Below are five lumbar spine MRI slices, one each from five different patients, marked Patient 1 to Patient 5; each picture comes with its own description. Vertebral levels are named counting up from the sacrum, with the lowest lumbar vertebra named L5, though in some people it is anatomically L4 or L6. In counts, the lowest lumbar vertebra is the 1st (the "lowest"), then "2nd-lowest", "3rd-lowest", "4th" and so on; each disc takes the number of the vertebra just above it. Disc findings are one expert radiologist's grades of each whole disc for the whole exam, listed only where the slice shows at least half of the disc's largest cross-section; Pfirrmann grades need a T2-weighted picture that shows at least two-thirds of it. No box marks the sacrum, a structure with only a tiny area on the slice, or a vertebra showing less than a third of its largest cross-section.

Patient 1 of 5:
Sagittal slice index 5 | Image 384x384 | T1-weighted sagittal MRI of the lumbar spine
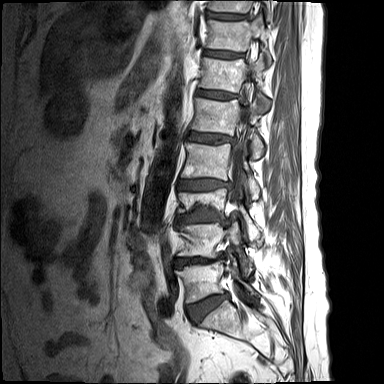
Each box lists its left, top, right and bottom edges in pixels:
T10/T11: left=208, top=12, right=244, bottom=19 | disc L4/L5: left=176, top=254, right=225, bottom=266 | L4: left=179, top=221, right=252, bottom=277 | L3 vertebra: left=178, top=188, right=259, bottom=240 | T10: left=209, top=0, right=270, bottom=19 | L1 vertebra: left=192, top=98, right=263, bottom=158 | L5 vertebra: left=177, top=259, right=256, bottom=302 | L3/L4: left=176, top=207, right=227, bottom=225 | T11: left=208, top=15, right=270, bottom=65 | L2/L3: left=178, top=179, right=233, bottom=191 | T12: left=200, top=53, right=270, bottom=111 | thecal sac / spinal canal: left=231, top=112, right=247, bottom=202 | L2: left=181, top=142, right=260, bottom=199 | T11/T12: left=206, top=50, right=241, bottom=57 | L5/S1: left=188, top=294, right=228, bottom=322 | L1/L2: left=188, top=131, right=235, bottom=143 | T12/L1: left=197, top=89, right=236, bottom=99

Expert MSK radiologist gradings (per disc):
- L5/S1: upper-endplate change, disc bulging, lower-endplate change
- L1/L2: lower-endplate change, upper-endplate change, disc bulging
- L4/L5: lower-endplate change, disc bulging, upper-endplate change, disc narrowing
- L3/L4: upper-endplate change, lower-endplate change, disc narrowing, disc bulging
- L2/L3: lower-endplate change, upper-endplate change, disc narrowing, disc bulging
- T10/T11, T11/T12, T12/L1: no spondylolisthesis, narrowing, bulging, herniation, Modic or endplate change recorded

Patient 2 of 5:
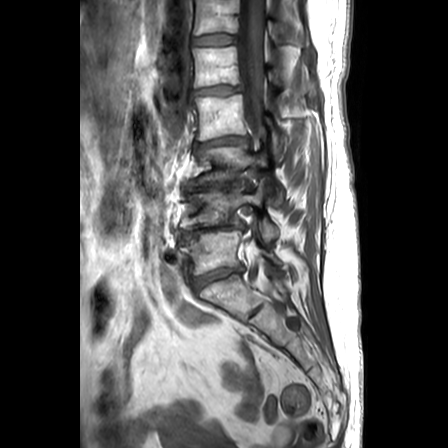 T1-weighted sagittal MRI of the lumbar spine. Field of view 280x280 mm, slice spacing 3.3 mm. Sex F. 448x448 px.
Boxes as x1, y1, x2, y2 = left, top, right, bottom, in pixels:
Thecal sac / spinal canal: 239, 0, 275, 294.
T12 vertebra: 194, 0, 303, 46.
L4/L5: 180, 223, 245, 242.
L4 vertebra: 180, 178, 279, 240.
L1/L2: 192, 85, 242, 93.
L5: 180, 229, 283, 275.
L3/L4: 186, 180, 251, 191.
Disc L2/L3: 196, 135, 250, 151.
L3: 193, 146, 283, 206.
L2: 190, 94, 288, 163.
T12/L1: 192, 34, 237, 44.
L5/S1: 191, 266, 244, 291.
L1 vertebra: 192, 46, 283, 87.

Degenerative findings by level:
• L4/L5: disc bulging, upper-endplate change, Modic type II, lower-endplate change, disc narrowing
• L1/L2: disc bulging
• L5/S1: lower-endplate change, disc narrowing, disc bulging, upper-endplate change
• L2/L3: lower-endplate change, disc narrowing, upper-endplate change, disc bulging
• L3/L4: lower-endplate change, Modic type II, disc bulging, disc narrowing, upper-endplate change
• T12/L1: no Modic or endplate change, herniation, narrowing, bulging or spondylolisthesis recorded

Patient 3 of 5:
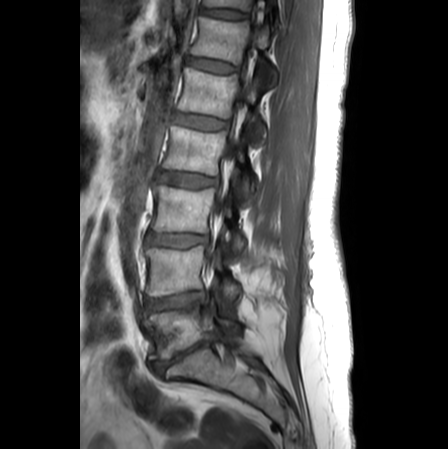
Slice 16 of 24. Lumbar spine MR, T1-weighted, sagittal.
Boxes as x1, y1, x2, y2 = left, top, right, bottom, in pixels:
4th disc: 159, 172, 217, 188
7th vertebra: 203, 0, 252, 10
6th vertebra: 191, 17, 277, 85
lowest disc: 151, 338, 214, 374
6th disc: 188, 57, 238, 73
3rd-lowest disc: 148, 234, 208, 247
4th vertebra: 163, 126, 256, 199
5th disc: 174, 113, 228, 130
3rd-lowest vertebra: 152, 185, 245, 256
2nd-lowest vertebra: 146, 246, 240, 305
7th disc: 200, 7, 248, 18
2nd-lowest disc: 146, 291, 205, 311
5th vertebra: 178, 68, 267, 144
thecal sac / spinal canal: 219, 78, 247, 214
lowest vertebra: 148, 300, 241, 359

Degenerative findings by level:
  3rd-lowest disc: disc bulging
  4th disc: disc bulging
  2nd-lowest disc: disc bulging, disc narrowing
  6th disc, 5th disc, 7th disc: no spondylolisthesis, narrowing, bulging, herniation, Modic or endplate change recorded

Patient 4 of 5:
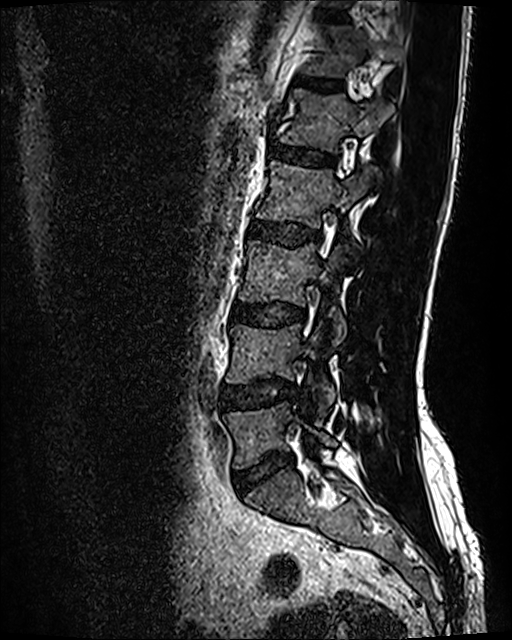
Sex M; Sagittal T2 SPACE (3D) lumbar spine MRI
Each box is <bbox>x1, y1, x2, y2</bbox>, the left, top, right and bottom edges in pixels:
Annotations:
• intervertebral disc L3/L4 (3rd-lowest disc) at <bbox>231, 304, 305, 326</bbox>
• intervertebral disc L5/S1 (lowest disc) at <bbox>236, 453, 292, 494</bbox>
• T12 (6th vertebra) at <bbox>305, 26, 396, 77</bbox>
• L5 (lowest vertebra) at <bbox>224, 402, 336, 469</bbox>
• L2/L3 (4th disc) at <bbox>250, 220, 320, 246</bbox>
• L3 (3rd-lowest vertebra) at <bbox>239, 239, 357, 344</bbox>
• L4/L5 (2nd-lowest disc) at <bbox>222, 379, 297, 410</bbox>
• L4 (2nd-lowest vertebra) at <bbox>226, 324, 334, 410</bbox>
• L2 (4th vertebra) at <bbox>257, 161, 377, 228</bbox>
• L1 (5th vertebra) at <bbox>280, 89, 393, 153</bbox>
• T12/L1 (6th disc) at <bbox>302, 78, 341, 90</bbox>
• T11/T12 (7th disc) at <bbox>317, 9, 345, 20</bbox>
• intervertebral disc L1/L2 (5th disc) at <bbox>270, 145, 334, 165</bbox>

Expert MSK radiologist gradings (per disc):
- L5/S1 (lowest disc): disc bulging
- L2/L3 (4th disc): Pfirrmann grade 2
- L3/L4 (3rd-lowest disc): Pfirrmann grade 2, disc bulging
- L1/L2 (5th disc): Pfirrmann grade 2
- L4/L5 (2nd-lowest disc): Pfirrmann grade 2, disc bulging

Patient 5 of 5:
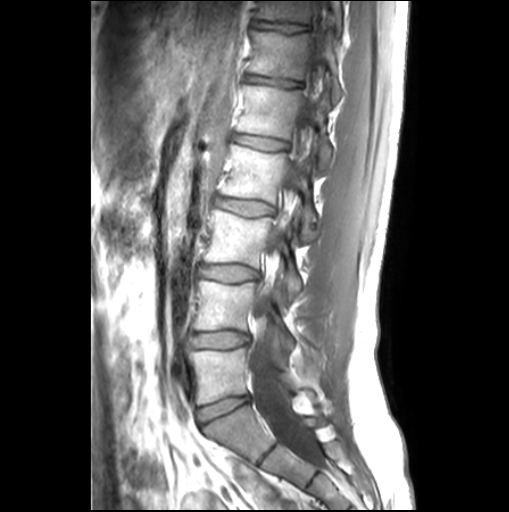
T1-weighted sagittal MRI of the lumbar spine | Slice spacing 3.3 mm | Slice 11/26
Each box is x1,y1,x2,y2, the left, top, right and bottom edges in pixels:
5th disc: 234,135,287,149
5th vertebra: 237,83,332,168
6th disc: 247,75,299,86
spinal canal: 250,103,321,464
lowest disc: 198,396,249,423
4th vertebra: 221,144,316,241
2nd-lowest disc: 191,332,248,347
7th vertebra: 256,0,341,33
3rd-lowest disc: 199,265,257,281
2nd-lowest vertebra: 193,279,292,349
4th disc: 216,198,272,215
lowest vertebra: 190,348,295,404
3rd-lowest vertebra: 205,208,300,298
6th vertebra: 249,30,340,100
7th disc: 254,20,308,32

Degenerative findings by level:
  5th disc: Modic type II
  7th disc: lower-endplate change, upper-endplate change
  6th disc: upper-endplate change, lower-endplate change
  3rd-lowest disc, lowest disc, 2nd-lowest disc, 4th disc: no herniation, bulging, narrowing, spondylolisthesis, endplate or Modic change recorded